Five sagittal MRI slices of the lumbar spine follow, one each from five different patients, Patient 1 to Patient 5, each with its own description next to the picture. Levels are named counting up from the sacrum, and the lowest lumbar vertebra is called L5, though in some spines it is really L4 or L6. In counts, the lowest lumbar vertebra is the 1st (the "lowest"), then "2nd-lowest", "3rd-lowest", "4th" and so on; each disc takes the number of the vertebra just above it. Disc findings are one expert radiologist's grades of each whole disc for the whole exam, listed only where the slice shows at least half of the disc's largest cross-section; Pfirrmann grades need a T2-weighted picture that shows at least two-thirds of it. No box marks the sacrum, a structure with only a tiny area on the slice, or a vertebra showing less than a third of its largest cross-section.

Patient 1 of 5:
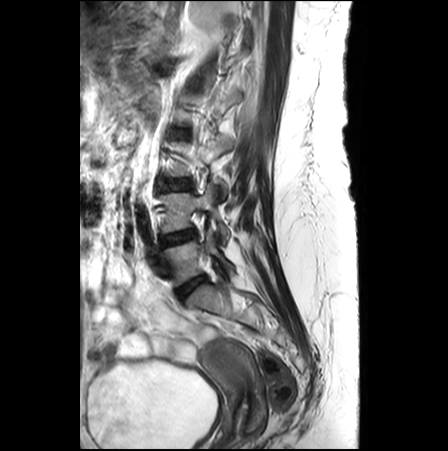 T2-weighted sagittal MRI of the lumbar spine; Sex F; Slice 18 of 26
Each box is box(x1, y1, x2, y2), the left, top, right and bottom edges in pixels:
Structures:
• intervertebral disc L3/L4 (3rd-lowest disc) at box(158, 180, 192, 190)
• L5/S1 (lowest disc) at box(177, 275, 206, 300)
• L4/L5 (2nd-lowest disc) at box(161, 229, 196, 246)
• L3 (3rd-lowest vertebra) at box(164, 136, 233, 199)
• intervertebral disc L2/L3 (4th disc) at box(176, 128, 189, 135)
• L4 (2nd-lowest vertebra) at box(159, 183, 229, 245)
• L5 (lowest vertebra) at box(162, 230, 233, 285)

Expert MSK radiologist gradings (per disc):
- L4/L5 (2nd-lowest disc): disc narrowing
- L3/L4 (3rd-lowest disc), L5/S1 (lowest disc): no herniation, bulging, narrowing, spondylolisthesis, endplate or Modic change recorded

Patient 2 of 5:
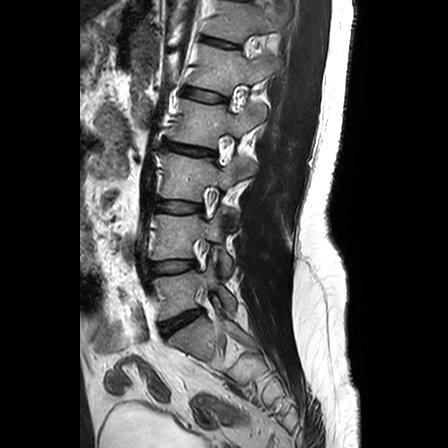 MRI lumbar spine (T2-weighted), sagittal plane; Slice 8/24; Patient sex: M
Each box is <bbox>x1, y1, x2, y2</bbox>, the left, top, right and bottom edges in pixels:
Annotations:
- lowest vertebra: <bbox>155, 261, 235, 319</bbox>
- 4th vertebra: <bbox>169, 99, 265, 170</bbox>
- 3rd-lowest vertebra: <bbox>161, 153, 252, 201</bbox>
- 4th disc: <bbox>164, 142, 214, 155</bbox>
- lowest disc: <bbox>161, 311, 201, 334</bbox>
- 6th vertebra: <bbox>206, 0, 282, 42</bbox>
- 5th disc: <bbox>184, 88, 225, 101</bbox>
- 3rd-lowest disc: <bbox>157, 200, 201, 212</bbox>
- 5th vertebra: <bbox>189, 44, 280, 94</bbox>
- 6th disc: <bbox>205, 38, 235, 47</bbox>
- 2nd-lowest disc: <bbox>152, 261, 195, 273</bbox>
- 2nd-lowest vertebra: <bbox>152, 214, 231, 274</bbox>

Expert MSK radiologist gradings (per disc):
  6th disc: lower-endplate change, upper-endplate change
  4th disc: Pfirrmann grade 4, upper-endplate change, disc bulging, lower-endplate change, disc narrowing
  5th disc: Pfirrmann grade 1
  2nd-lowest disc: lower-endplate change
  3rd-lowest disc: Pfirrmann grade 2, upper-endplate change
  lowest disc: disc herniation

Patient 3 of 5:
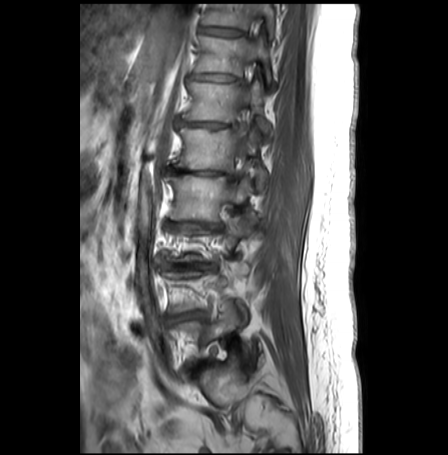
Slice 10/30. T1-weighted sagittal MRI of the lumbar spine. Patient sex: F.

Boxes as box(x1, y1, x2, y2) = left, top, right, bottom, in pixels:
- T10 (8th vertebra) = box(202, 4, 276, 37)
- thecal sac / spinal canal = box(231, 19, 258, 162)
- T12/L1 (6th disc) = box(178, 119, 233, 127)
- disc L4/L5 (2nd-lowest disc) = box(165, 309, 203, 322)
- L1/L2 (5th disc) = box(166, 167, 232, 179)
- disc L2/L3 (4th disc) = box(162, 219, 222, 229)
- L5 (lowest vertebra) = box(174, 301, 250, 359)
- T11 (7th vertebra) = box(196, 34, 277, 89)
- L1 (5th vertebra) = box(172, 127, 267, 188)
- T12 (6th vertebra) = box(182, 79, 272, 142)
- disc L3/L4 (3rd-lowest disc) = box(158, 254, 215, 269)
- disc T11/T12 (7th disc) = box(191, 73, 236, 80)
- L2 (4th vertebra) = box(166, 174, 252, 220)
- disc T10/T11 (8th disc) = box(200, 26, 241, 35)

Per-level radiological findings:
  L3/L4 (3rd-lowest disc): disc narrowing, Modic type II, disc bulging, lower-endplate change, upper-endplate change
  T11/T12 (7th disc): disc bulging
  L2/L3 (4th disc): disc narrowing, Modic type II, disc bulging, upper-endplate change, lower-endplate change
  L1/L2 (5th disc): upper-endplate change, lower-endplate change, disc narrowing, Modic type II, disc bulging
  T12/L1 (6th disc): disc bulging, upper-endplate change, lower-endplate change, Modic type II, disc narrowing
  T10/T11 (8th disc): no spondylolisthesis, narrowing, bulging, herniation, Modic or endplate change recorded

Patient 4 of 5:
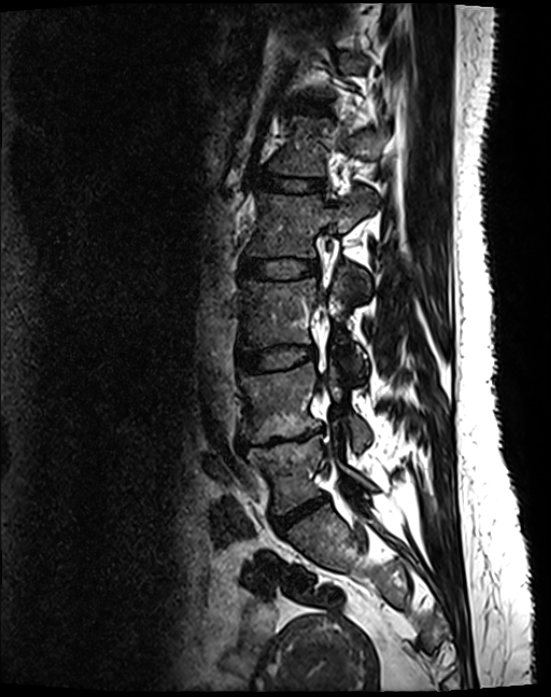
Lumbar spine MR, T2 SPACE (3D), sagittal. 551x697 px.

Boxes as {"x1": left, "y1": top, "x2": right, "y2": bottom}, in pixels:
L4/L5 = {"x1": 238, "y1": 431, "x2": 320, "y2": 450}.
L2 = {"x1": 249, "y1": 190, "x2": 375, "y2": 257}.
Intervertebral disc L2/L3 = {"x1": 241, "y1": 260, "x2": 315, "y2": 279}.
L5 = {"x1": 247, "y1": 435, "x2": 371, "y2": 513}.
Intervertebral disc L1/L2 = {"x1": 261, "y1": 175, "x2": 322, "y2": 190}.
L5/S1 = {"x1": 272, "y1": 496, "x2": 327, "y2": 530}.
Intervertebral disc L3/L4 = {"x1": 238, "y1": 346, "x2": 314, "y2": 371}.
L3 = {"x1": 242, "y1": 269, "x2": 367, "y2": 365}.
L4 vertebra = {"x1": 242, "y1": 364, "x2": 368, "y2": 451}.

Radiological gradings:
- L1/L2: Pfirrmann grade 2
- L2/L3: Pfirrmann grade 2
- L3/L4: Pfirrmann grade 2
- L4/L5: lower-endplate change, disc bulging, upper-endplate change, Modic type II, disc narrowing

Patient 5 of 5:
Sagittal T1-weighted lumbar spine MRI 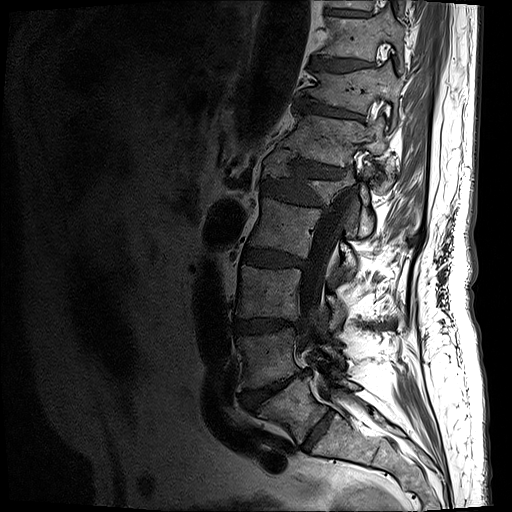
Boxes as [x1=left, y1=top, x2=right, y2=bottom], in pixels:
- intervertebral disc L5/S1: [x1=303, y1=411, x2=334, y2=449]
- intervertebral disc L1/L2: [x1=262, y1=180, x2=325, y2=206]
- T9/T10: [x1=329, y1=10, x2=366, y2=16]
- L2 vertebra: [x1=248, y1=197, x2=356, y2=277]
- intervertebral disc L4/L5: [x1=242, y1=370, x2=310, y2=410]
- thecal sac / spinal canal: [x1=299, y1=189, x2=357, y2=393]
- intervertebral disc T10/T11: [x1=311, y1=57, x2=368, y2=71]
- L5 vertebra: [x1=262, y1=378, x2=359, y2=443]
- T10 vertebra: [x1=322, y1=11, x2=405, y2=62]
- L4 vertebra: [x1=238, y1=328, x2=344, y2=388]
- T12: [x1=282, y1=112, x2=393, y2=190]
- T11 vertebra: [x1=303, y1=63, x2=402, y2=127]
- intervertebral disc L2/L3: [x1=242, y1=249, x2=307, y2=268]
- L1: [x1=263, y1=151, x2=375, y2=236]
- T11/T12: [x1=296, y1=98, x2=361, y2=118]
- T12/L1: [x1=279, y1=148, x2=343, y2=177]
- L3: [x1=235, y1=265, x2=345, y2=329]
- L3/L4: [x1=234, y1=319, x2=300, y2=333]

Per-level radiological findings:
- T12/L1: upper-endplate change, lower-endplate change, disc narrowing, disc bulging
- L1/L2: disc narrowing, disc bulging, upper-endplate change, lower-endplate change
- L2/L3: disc bulging, lower-endplate change, disc narrowing, upper-endplate change, Modic type II
- L4/L5: disc herniation, disc bulging, disc narrowing, Modic type II, upper-endplate change, lower-endplate change
- T10/T11: disc bulging, upper-endplate change, lower-endplate change
- T11/T12: lower-endplate change, upper-endplate change, disc bulging, disc narrowing
- L3/L4: disc bulging, lower-endplate change, upper-endplate change, disc narrowing
- L5/S1: no spondylolisthesis, narrowing, bulging, herniation, Modic or endplate change recorded